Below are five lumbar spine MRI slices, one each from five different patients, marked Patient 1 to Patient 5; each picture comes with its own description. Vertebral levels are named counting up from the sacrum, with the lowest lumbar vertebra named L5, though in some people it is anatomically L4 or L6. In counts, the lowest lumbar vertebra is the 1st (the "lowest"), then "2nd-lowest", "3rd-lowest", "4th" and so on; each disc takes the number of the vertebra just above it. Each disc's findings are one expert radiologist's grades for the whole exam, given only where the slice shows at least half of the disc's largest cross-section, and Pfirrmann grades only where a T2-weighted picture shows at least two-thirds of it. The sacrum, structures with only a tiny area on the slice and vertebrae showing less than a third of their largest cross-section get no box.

Patient 1 of 5:
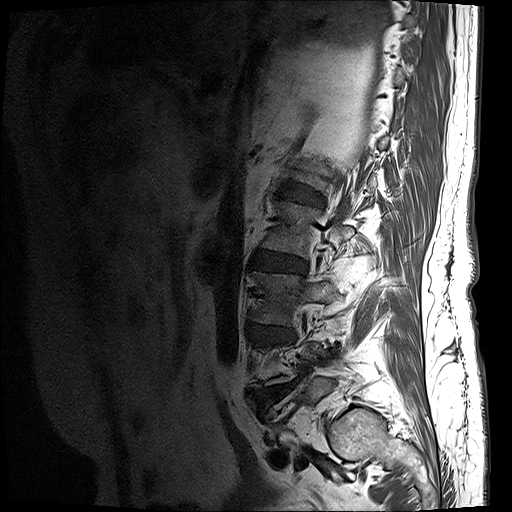 MRI lumbar spine (T1-weighted), sagittal plane, Sagittal slice index 1, Field of view 300x300 mm, Image 512x512, Patient sex: M

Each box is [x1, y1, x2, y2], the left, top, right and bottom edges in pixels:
Segmented structures:
• L1/L2: [282, 183, 322, 205]
• disc L2/L3: [252, 251, 306, 273]
• L2 vertebra: [263, 201, 354, 257]
• L3: [253, 272, 334, 325]
• L3/L4: [254, 326, 292, 339]
• disc L4/L5: [257, 385, 287, 403]

Per-level radiological findings:
• L1/L2: disc narrowing, lower-endplate change, disc bulging, upper-endplate change
• L2/L3: lower-endplate change, upper-endplate change, disc bulging, disc narrowing, Modic type II

Patient 2 of 5:
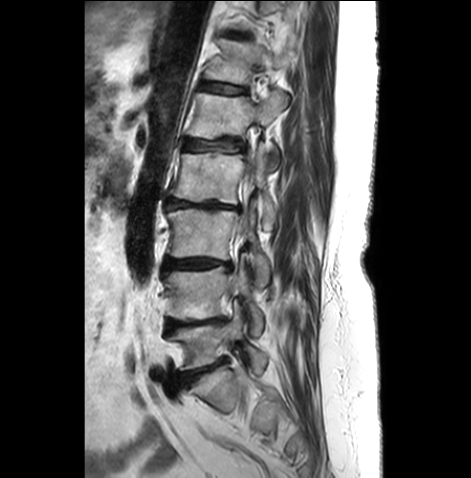 Slice 19 of 26 | Sagittal T2-weighted lumbar spine MRI | Sex F

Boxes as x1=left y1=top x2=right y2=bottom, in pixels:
IVD T12/L1 = x1=202 y1=82 x2=244 y2=94 | L5 vertebra = x1=169 y1=306 x2=267 y2=373 | IVD L5/S1 = x1=180 y1=359 x2=225 y2=383 | IVD T11/T12 = x1=227 y1=32 x2=244 y2=37 | L1 = x1=187 y1=91 x2=288 y2=169 | T12 = x1=205 y1=39 x2=291 y2=84 | IVD L3/L4 = x1=164 y1=259 x2=232 y2=270 | L4/L5 = x1=167 y1=318 x2=223 y2=331 | L3 = x1=167 y1=208 x2=269 y2=287 | IVD L2/L3 = x1=166 y1=199 x2=238 y2=210 | L2 = x1=171 y1=145 x2=277 y2=229 | IVD L1/L2 = x1=184 y1=139 x2=242 y2=152 | L4 = x1=164 y1=264 x2=263 y2=335

Radiological gradings:
• T12/L1: Pfirrmann grade 3, upper-endplate change, lower-endplate change, disc bulging
• L3/L4: Pfirrmann grade 4, Modic type II, disc narrowing, disc bulging
• L2/L3: Pfirrmann grade 5, disc narrowing, Modic type II, lower-endplate change, upper-endplate change, disc bulging
• L5/S1: Modic type II, disc bulging, disc narrowing
• L1/L2: Pfirrmann grade 3, Modic type II, upper-endplate change, lower-endplate change, disc bulging

Patient 3 of 5:
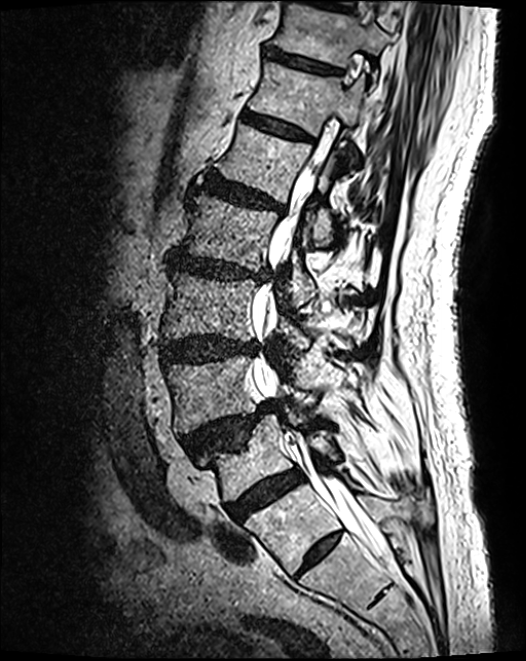
Field of view 240x302 mm; Sagittal T2 SPACE (3D) lumbar spine MRI; Slice 54/124

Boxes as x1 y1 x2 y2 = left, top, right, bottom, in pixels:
{"L2": "182 195 317 309", "L3/L4": "160 337 256 363", "IVD L5/S1": "228 471 303 521", "T11/T12": "265 49 338 75", "L5": "201 416 338 501", "IVD L1/L2": "203 176 284 212", "T12": "249 62 364 169", "spinal canal": "253 168 391 564", "L4/L5": "182 403 274 457", "L2/L3": "171 253 269 283", "IVD T12/L1": "243 112 309 141", "L4": "165 356 363 433", "L1 vertebra": "219 124 348 245", "T11 vertebra": "274 5 391 78", "L3 vertebra": "162 273 345 360"}

Expert MSK radiologist gradings (per disc):
  L2/L3: Pfirrmann grade 4, disc narrowing, upper-endplate change, lower-endplate change, disc bulging
  L5/S1: Pfirrmann grade 4
  T11/T12: Pfirrmann grade 3, lower-endplate change
  T12/L1: Pfirrmann grade 3
  L1/L2: Pfirrmann grade 4, lower-endplate change, disc bulging, upper-endplate change
  L4/L5: Pfirrmann grade 4, spondylolisthesis, disc herniation, upper-endplate change
  L3/L4: Pfirrmann grade 4, disc bulging

Patient 4 of 5:
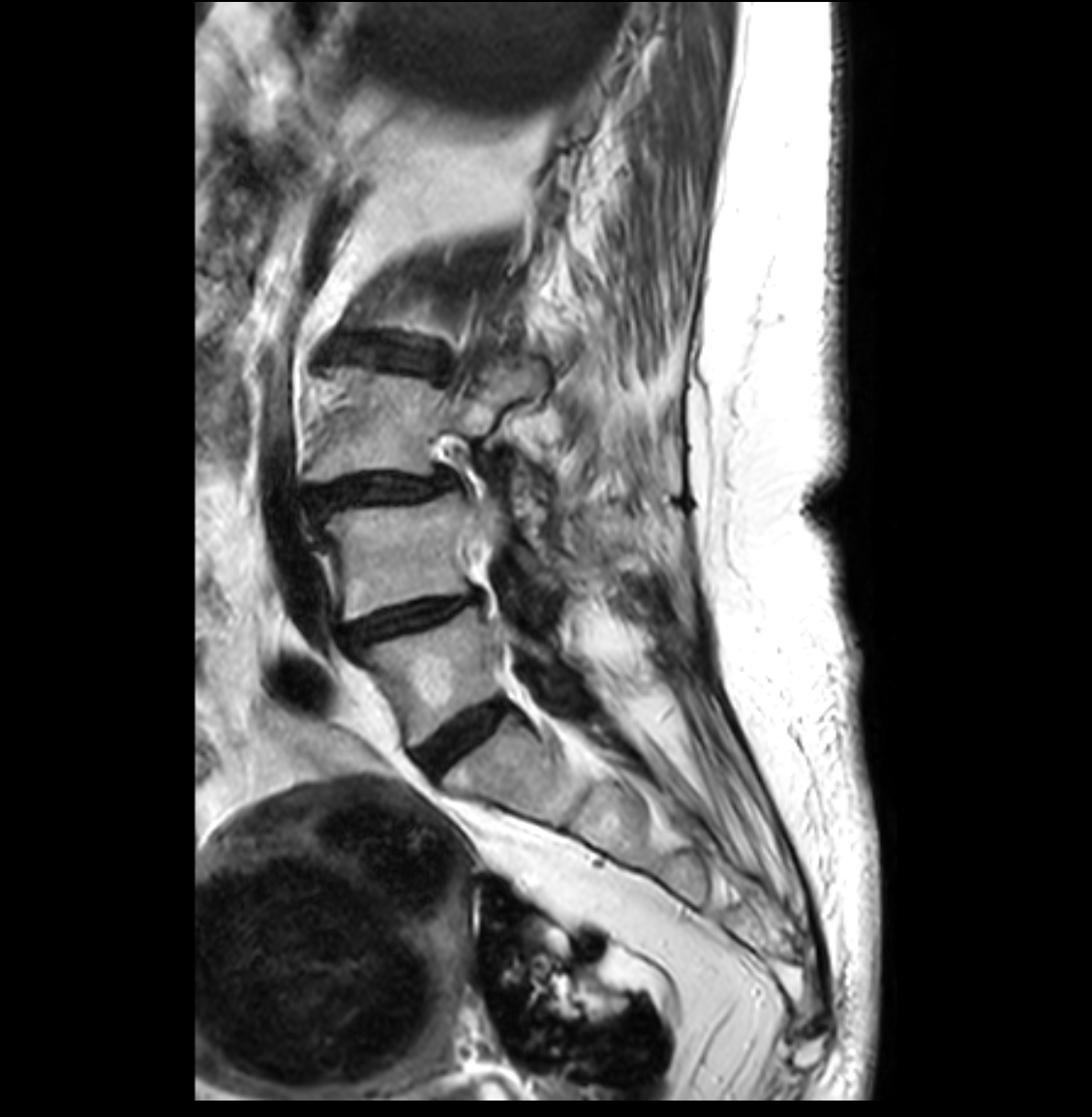 Field of view 280x286 mm, Lumbar spine MR, T2-weighted, sagittal
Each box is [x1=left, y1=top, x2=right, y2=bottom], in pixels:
Intervertebral disc L3/L4: [x1=310, y1=473, x2=452, y2=515].
L5/S1: [x1=419, y1=702, x2=506, y2=774].
Intervertebral disc L4/L5: [x1=344, y1=595, x2=477, y2=646].
L3 vertebra: [x1=307, y1=366, x2=545, y2=482].
L5 vertebra: [x1=361, y1=608, x2=555, y2=746].
Spinal canal: [x1=475, y1=520, x2=497, y2=567].
L4: [x1=317, y1=492, x2=560, y2=620].

Radiological gradings:
• L4/L5: Pfirrmann grade 4, disc narrowing, disc bulging
• L3/L4: Pfirrmann grade 4, disc bulging, disc narrowing, spondylolisthesis
• L5/S1: no herniation, bulging, narrowing, spondylolisthesis, endplate or Modic change recorded

Patient 5 of 5:
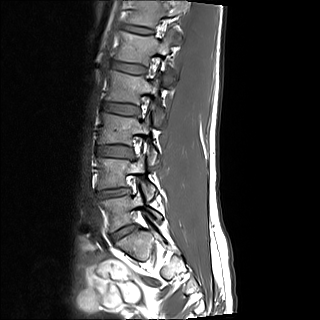 Field of view 280x280 mm, MRI lumbar spine (T1-weighted), sagittal plane

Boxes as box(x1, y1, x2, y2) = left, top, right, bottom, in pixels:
{"L1 (5th vertebra)": "box(115, 29, 181, 85)", "L4/L5 (2nd-lowest disc)": "box(97, 188, 128, 198)", "L2 (4th vertebra)": "box(106, 70, 163, 126)", "L4 (2nd-lowest vertebra)": "box(98, 154, 155, 198)", "L5/S1 (lowest disc)": "box(111, 226, 135, 241)", "L1/L2 (5th disc)": "box(111, 61, 145, 73)", "IVD L3/L4 (3rd-lowest disc)": "box(97, 146, 130, 157)", "L3 (3rd-lowest vertebra)": "box(99, 113, 156, 163)", "T12 (6th vertebra)": "box(128, 0, 182, 27)", "L5 (lowest vertebra)": "box(100, 191, 161, 231)", "IVD T12/L1 (6th disc)": "box(123, 25, 152, 33)", "L2/L3 (4th disc)": "box(102, 102, 137, 114)"}

Per-level radiological findings:
  L4/L5 (2nd-lowest disc): disc narrowing, disc herniation
  L1/L2 (5th disc), L2/L3 (4th disc), T12/L1 (6th disc), L3/L4 (3rd-lowest disc): no spondylolisthesis, narrowing, bulging, herniation, Modic or endplate change recorded